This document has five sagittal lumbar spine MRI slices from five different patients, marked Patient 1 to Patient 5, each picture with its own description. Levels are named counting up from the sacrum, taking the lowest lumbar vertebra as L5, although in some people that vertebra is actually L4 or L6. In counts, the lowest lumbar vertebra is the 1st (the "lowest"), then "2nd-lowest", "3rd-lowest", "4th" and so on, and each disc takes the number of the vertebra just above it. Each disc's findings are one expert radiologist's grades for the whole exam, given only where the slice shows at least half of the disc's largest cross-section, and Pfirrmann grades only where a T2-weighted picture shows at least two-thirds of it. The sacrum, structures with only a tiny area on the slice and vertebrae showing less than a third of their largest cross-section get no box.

Patient 1 of 5:
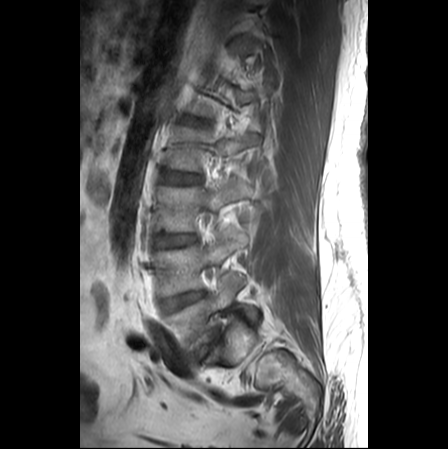 MRI lumbar spine (T1-weighted), sagittal plane, Slice 19/25, Field of view 280x281 mm, slice spacing 3.3 mm

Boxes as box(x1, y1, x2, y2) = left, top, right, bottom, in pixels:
IVD L5/S1 = box(193, 332, 219, 361) | L3/L4 = box(153, 235, 197, 246) | L2 = box(162, 124, 260, 171) | IVD L2/L3 = box(159, 172, 200, 184) | IVD L4/L5 = box(159, 292, 205, 313) | L3 vertebra = box(152, 177, 251, 231) | L5 vertebra = box(161, 275, 257, 352) | L4 = box(152, 229, 247, 296)

Expert MSK radiologist gradings (per disc):
• L4/L5: Modic type II, disc bulging
• L3/L4, L2/L3: no herniation, bulging, narrowing, spondylolisthesis, endplate or Modic change recorded

Patient 2 of 5:
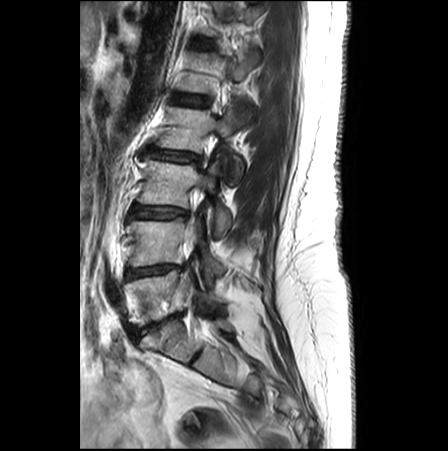 Sagittal T2-weighted lumbar spine MRI; Slice 18/27

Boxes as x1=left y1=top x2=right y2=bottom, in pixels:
5th disc = x1=170 y1=93 x2=209 y2=106 | lowest disc = x1=135 y1=313 x2=180 y2=335 | thecal sac / spinal canal = x1=187 y1=229 x2=193 y2=244 | 2nd-lowest disc = x1=125 y1=265 x2=183 y2=279 | lowest vertebra = x1=125 y1=270 x2=219 y2=326 | 6th disc = x1=197 y1=38 x2=213 y2=46 | 5th vertebra = x1=179 y1=51 x2=258 y2=123 | 3rd-lowest disc = x1=129 y1=205 x2=188 y2=218 | 2nd-lowest vertebra = x1=126 y1=217 x2=224 y2=280 | 3rd-lowest vertebra = x1=137 y1=158 x2=231 y2=238 | 4th disc = x1=147 y1=147 x2=201 y2=161 | 4th vertebra = x1=157 y1=106 x2=243 y2=184

Per-level radiological findings:
  5th disc: Pfirrmann grade 1
  4th disc: Pfirrmann grade 2, disc narrowing, disc bulging
  3rd-lowest disc: Pfirrmann grade 2, Modic type II, disc bulging
  2nd-lowest disc: Pfirrmann grade 3, disc narrowing, disc bulging, Modic type II, upper-endplate change

Patient 3 of 5:
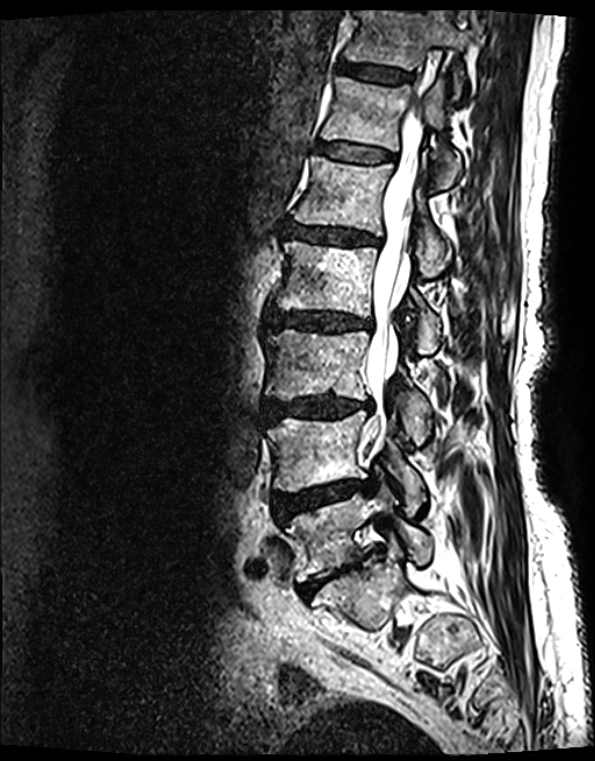 Sex F | Lumbar spine MR, T2 SPACE (3D), sagittal | Sagittal slice index 81 | Image 595x761
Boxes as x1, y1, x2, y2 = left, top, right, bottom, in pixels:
Annotations:
• L1 = 294, 158, 449, 276
• disc L4/L5 = 272, 480, 376, 523
• L3 = 265, 330, 429, 441
• disc T11/T12 = 338, 64, 412, 84
• L5/S1 = 298, 556, 364, 598
• disc L2/L3 = 269, 313, 370, 330
• L3/L4 = 269, 395, 369, 421
• L5 vertebra = 285, 486, 431, 580
• L2 = 276, 242, 440, 354
• T12/L1 = 316, 144, 390, 164
• spinal canal = 365, 97, 423, 440
• L4 = 267, 411, 423, 510
• L1/L2 = 288, 225, 375, 245
• T11 = 343, 10, 465, 99
• T12 = 320, 77, 461, 187

Per-level radiological findings:
• L3/L4: Pfirrmann grade 4, disc narrowing, lower-endplate change, upper-endplate change, Modic type II, disc bulging
• L2/L3: Pfirrmann grade 4, Modic type II, disc narrowing, disc bulging, lower-endplate change, upper-endplate change
• L1/L2: Pfirrmann grade 4, disc narrowing, Modic type II, lower-endplate change, upper-endplate change, disc bulging
• T12/L1: Pfirrmann grade 2, upper-endplate change, lower-endplate change, Modic type II
• L4/L5: Pfirrmann grade 4, Modic type II, upper-endplate change, disc herniation, lower-endplate change, disc bulging, disc narrowing
• T11/T12: Pfirrmann grade 2, Modic type II, lower-endplate change, upper-endplate change

Patient 4 of 5:
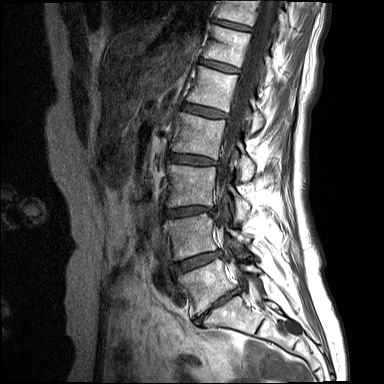 MRI lumbar spine (T1-weighted), sagittal plane.

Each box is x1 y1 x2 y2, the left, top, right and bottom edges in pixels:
Annotations:
• L1 (5th vertebra) at 187 66 264 134
• intervertebral disc L1/L2 (5th disc) at 183 103 227 117
• intervertebral disc L2/L3 (4th disc) at 170 154 215 164
• L4/L5 (2nd-lowest disc) at 175 251 221 274
• spinal canal at 218 0 278 299
• L2 (4th vertebra) at 172 112 254 180
• L4 (2nd-lowest vertebra) at 164 213 250 258
• T12/L1 (6th disc) at 201 59 238 72
• L5 (lowest vertebra) at 180 259 261 314
• T11 (7th vertebra) at 217 0 286 38
• T11/T12 (7th disc) at 214 19 250 30
• L5/S1 (lowest disc) at 197 291 237 320
• L3 (3rd-lowest vertebra) at 168 164 249 222
• T12 (6th vertebra) at 205 26 274 85
• L3/L4 (3rd-lowest disc) at 165 207 214 216

Expert MSK radiologist gradings (per disc):
• L1/L2 (5th disc): Modic type II
• L2/L3 (4th disc): upper-endplate change, Modic type II, disc bulging
• L5/S1 (lowest disc): disc narrowing, lower-endplate change, disc bulging, upper-endplate change, Modic type II
• L4/L5 (2nd-lowest disc): Modic type II, disc bulging
• L3/L4 (3rd-lowest disc): disc narrowing, disc bulging, Modic type II
• T12/L1 (6th disc), T11/T12 (7th disc): no spondylolisthesis, narrowing, bulging, herniation, Modic or endplate change recorded

Patient 5 of 5:
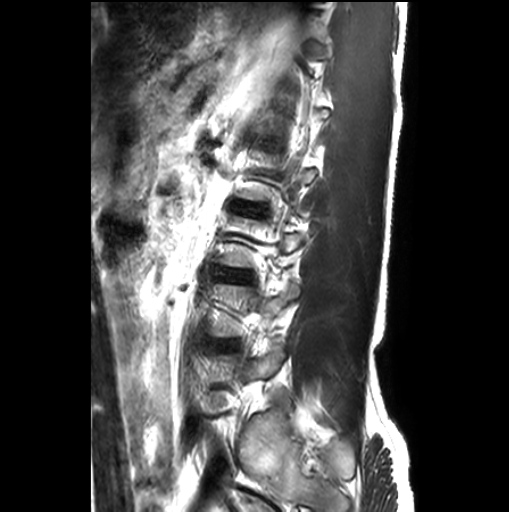 Slice 21 of 26. 509x512 px. MRI lumbar spine (T2-weighted), sagittal plane.
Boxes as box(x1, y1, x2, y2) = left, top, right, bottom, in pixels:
Structures:
• L3/L4 (3rd-lowest disc) at box(222, 270, 248, 281)
• L2/L3 (4th disc) at box(233, 200, 263, 213)